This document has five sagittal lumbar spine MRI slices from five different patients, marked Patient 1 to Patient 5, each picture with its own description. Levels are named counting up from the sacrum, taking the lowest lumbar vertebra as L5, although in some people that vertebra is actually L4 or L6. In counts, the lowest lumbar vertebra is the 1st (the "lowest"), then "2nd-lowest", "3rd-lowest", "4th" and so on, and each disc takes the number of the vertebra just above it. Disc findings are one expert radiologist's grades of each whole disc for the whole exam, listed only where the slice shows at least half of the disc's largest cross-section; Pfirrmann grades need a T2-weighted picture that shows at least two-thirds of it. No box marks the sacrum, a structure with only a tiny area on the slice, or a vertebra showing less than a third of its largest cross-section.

Patient 1 of 5:
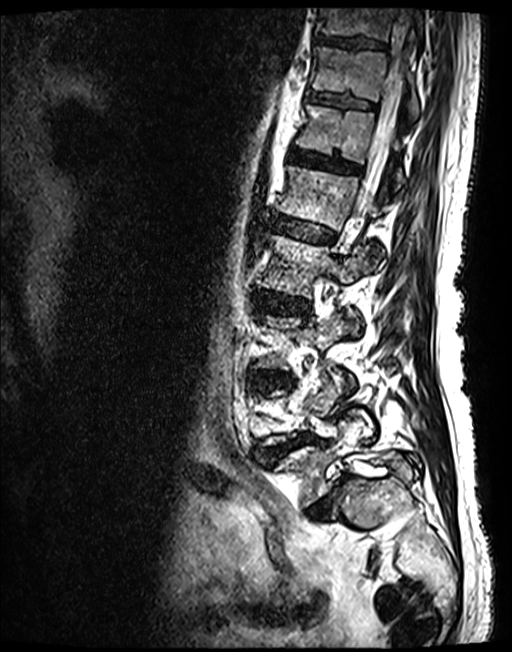
MRI lumbar spine (T2 SPACE (3D)), sagittal plane

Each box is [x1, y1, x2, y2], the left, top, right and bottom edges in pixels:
T11 vertebra: [310, 45, 419, 119].
Intervertebral disc L2/L3: [252, 291, 310, 313].
T11/T12: [308, 91, 373, 108].
L5/S1: [307, 473, 346, 515].
Intervertebral disc L1/L2: [273, 216, 334, 243].
T10 vertebra: [316, 8, 423, 40].
Thecal sac / spinal canal: [351, 8, 414, 231].
L3: [255, 315, 345, 369].
L5: [273, 419, 419, 506].
L4/L5: [261, 434, 313, 459].
T12/L1: [289, 147, 360, 173].
T12 vertebra: [295, 104, 403, 185].
Intervertebral disc T10/T11: [314, 34, 385, 49].
L3/L4: [251, 371, 293, 389].
L2 vertebra: [256, 235, 367, 329].
L1: [277, 165, 380, 230].

Radiological gradings:
- L1/L2: Pfirrmann grade 3
- T11/T12: Pfirrmann grade 3
- L2/L3: Pfirrmann grade 3, disc bulging
- T10/T11: Pfirrmann grade 3
- T12/L1: Pfirrmann grade 3

Patient 2 of 5:
Slice 78 of 120. SIEMENS Avanto_fit (1.5T). Sagittal T2 SPACE (3D) lumbar spine MRI.

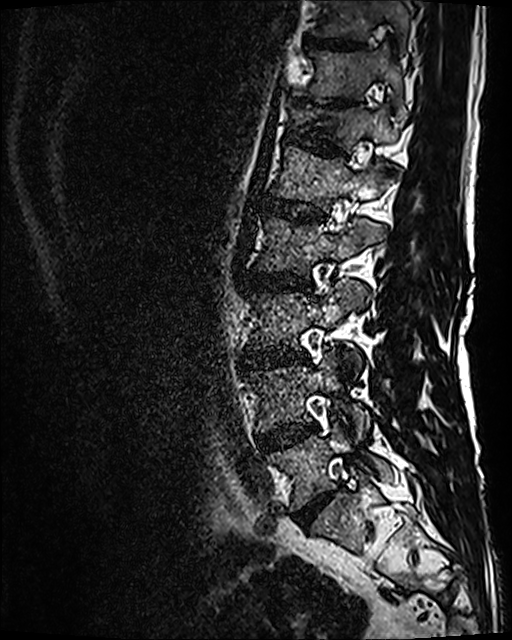

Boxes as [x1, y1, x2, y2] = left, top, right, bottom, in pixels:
4th vertebra: [258, 218, 385, 276].
4th disc: [247, 271, 311, 291].
6th disc: [286, 127, 345, 155].
3rd-lowest disc: [242, 347, 307, 368].
7th vertebra: [299, 47, 405, 114].
8th vertebra: [313, 0, 408, 46].
2nd-lowest disc: [257, 423, 316, 452].
2nd-lowest vertebra: [248, 350, 368, 438].
7th disc: [325, 100, 352, 105].
6th vertebra: [292, 105, 398, 150].
Lowest disc: [294, 491, 335, 528].
3rd-lowest vertebra: [252, 282, 368, 361].
5th disc: [264, 197, 324, 221].
5th vertebra: [272, 147, 391, 211].
Lowest vertebra: [267, 422, 391, 510].
8th disc: [305, 37, 360, 48].

Radiological gradings:
• 5th disc: Pfirrmann grade 3
• 3rd-lowest disc: Pfirrmann grade 4, disc narrowing, Modic type II, disc bulging
• 4th disc: disc bulging, Modic type II
• 2nd-lowest disc: Pfirrmann grade 3, disc bulging, Modic type II
• 6th disc: Pfirrmann grade 3, upper-endplate change, lower-endplate change
• 8th disc: Pfirrmann grade 3

Patient 3 of 5:
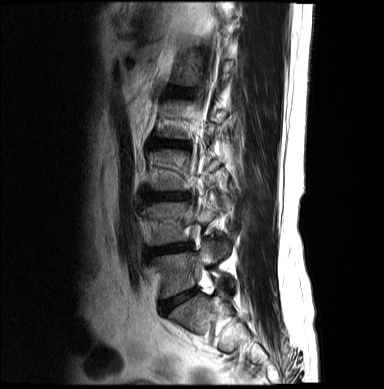
Slice 14/19 | T2-weighted sagittal MRI of the lumbar spine
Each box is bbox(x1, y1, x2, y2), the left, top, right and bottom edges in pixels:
2nd-lowest vertebra: bbox(147, 198, 228, 254).
4th disc: bbox(155, 141, 186, 148).
Lowest disc: bbox(161, 290, 195, 312).
3rd-lowest disc: bbox(146, 193, 189, 201).
2nd-lowest disc: bbox(149, 243, 192, 255).
Lowest vertebra: bbox(153, 242, 232, 298).

Expert MSK radiologist gradings (per disc):
- 2nd-lowest disc: disc narrowing, lower-endplate change, disc bulging
- 3rd-lowest disc: disc bulging
- lowest disc: no herniation, bulging, narrowing, spondylolisthesis, endplate or Modic change recorded

Patient 4 of 5:
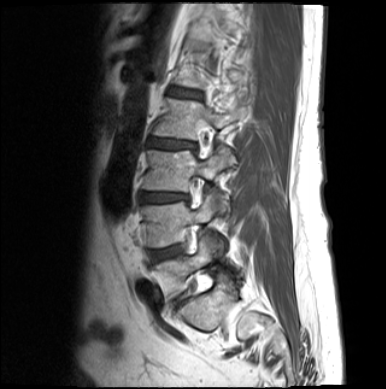

Sagittal slice index 12; Field of view 260x262 mm; MRI lumbar spine (T1-weighted), sagittal plane; Image 386x389

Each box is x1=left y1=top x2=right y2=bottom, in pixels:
5th disc = x1=169 y1=89 x2=200 y2=98 | 2nd-lowest vertebra = x1=142 y1=195 x2=223 y2=248 | 3rd-lowest vertebra = x1=142 y1=147 x2=234 y2=211 | 4th vertebra = x1=153 y1=98 x2=245 y2=140 | lowest vertebra = x1=155 y1=237 x2=212 y2=298 | 4th disc = x1=148 y1=139 x2=198 y2=149 | 3rd-lowest disc = x1=141 y1=193 x2=189 y2=201 | 2nd-lowest disc = x1=149 y1=245 x2=182 y2=261

Degenerative findings by level:
  3rd-lowest disc: disc narrowing, disc bulging
  4th disc: disc bulging

Patient 5 of 5:
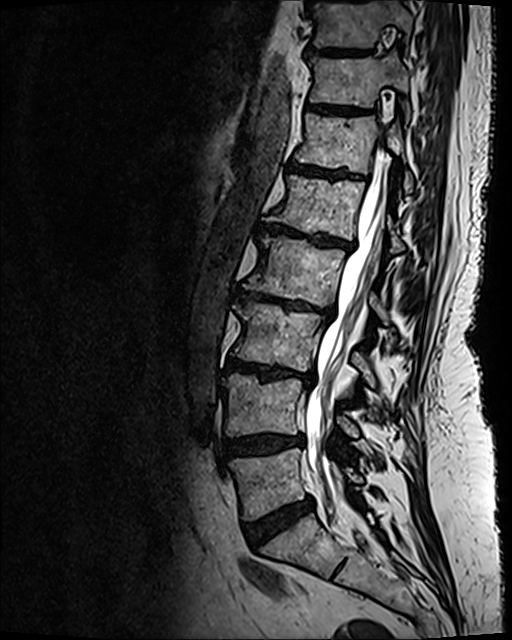

Field of view 240x300 mm, slice spacing 0.9 mm. Image 512x640. Sagittal T2 SPACE (3D) lumbar spine MRI. Sex F.
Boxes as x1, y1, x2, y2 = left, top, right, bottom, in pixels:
Structures:
- thecal sac / spinal canal = 305, 148, 388, 533
- 7th vertebra = 309, 53, 409, 107
- 3rd-lowest vertebra = 234, 301, 375, 385
- 5th disc = 257, 224, 353, 249
- 8th vertebra = 314, 0, 411, 47
- 4th vertebra = 243, 236, 386, 320
- 3rd-lowest disc = 225, 358, 314, 382
- 2nd-lowest disc = 221, 434, 303, 460
- 6th disc = 289, 162, 357, 178
- lowest vertebra = 229, 448, 362, 520
- 5th vertebra = 265, 175, 404, 253
- 2nd-lowest vertebra = 222, 374, 358, 436
- 7th disc = 308, 106, 354, 113
- lowest disc = 244, 497, 314, 548
- 4th disc = 236, 291, 333, 314
- 8th disc = 309, 48, 368, 54
- 6th vertebra = 295, 114, 412, 192

Per-level radiological findings:
• 3rd-lowest disc: Pfirrmann grade 5, lower-endplate change, Modic type II, disc narrowing, upper-endplate change, disc bulging
• 7th disc: Pfirrmann grade 4, upper-endplate change, lower-endplate change
• 8th disc: Pfirrmann grade 4, lower-endplate change, upper-endplate change
• lowest disc: Pfirrmann grade 4, disc bulging
• 6th disc: Pfirrmann grade 4, Modic type II, lower-endplate change, upper-endplate change
• 2nd-lowest disc: Pfirrmann grade 4, upper-endplate change, lower-endplate change, disc bulging
• 5th disc: Pfirrmann grade 5, disc bulging, Modic type II, disc narrowing, lower-endplate change, upper-endplate change